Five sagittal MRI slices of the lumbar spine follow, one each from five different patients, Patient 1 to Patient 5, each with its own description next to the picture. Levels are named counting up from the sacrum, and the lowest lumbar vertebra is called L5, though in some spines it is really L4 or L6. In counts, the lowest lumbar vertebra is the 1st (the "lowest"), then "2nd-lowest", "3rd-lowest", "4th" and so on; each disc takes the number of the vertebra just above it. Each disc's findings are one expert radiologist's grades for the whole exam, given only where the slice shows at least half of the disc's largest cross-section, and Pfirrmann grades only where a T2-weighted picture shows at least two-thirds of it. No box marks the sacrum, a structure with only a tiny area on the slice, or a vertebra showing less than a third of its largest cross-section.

Patient 1 of 5:
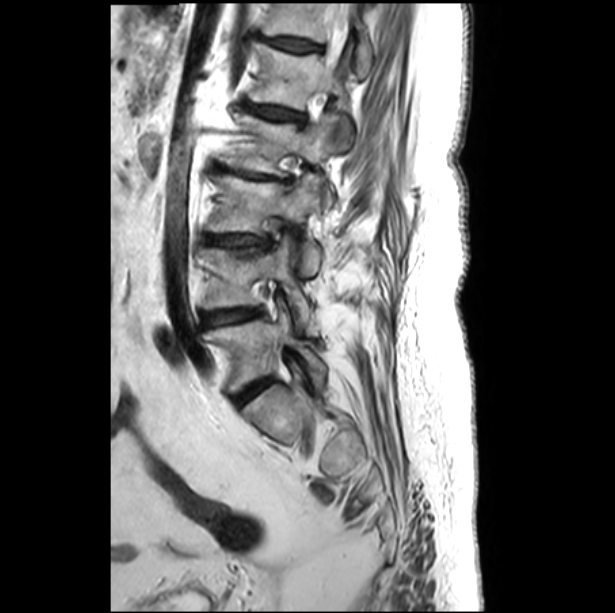 Sagittal T2-weighted lumbar spine MRI, Field of view 284x283 mm

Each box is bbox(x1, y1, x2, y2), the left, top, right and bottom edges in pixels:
Structures:
• intervertebral disc L1/L2: bbox(247, 104, 301, 119)
• L5/S1: bbox(235, 379, 271, 403)
• L5 vertebra: bbox(203, 309, 325, 392)
• L3/L4: bbox(204, 234, 269, 248)
• L2: bbox(220, 114, 338, 208)
• L4 vertebra: bbox(200, 239, 312, 332)
• L2/L3: bbox(215, 162, 291, 183)
• T12 vertebra: bbox(263, 3, 372, 79)
• L1: bbox(249, 42, 354, 151)
• T12/L1: bbox(264, 38, 320, 52)
• L3: bbox(207, 174, 321, 278)
• thecal sac / spinal canal: bbox(325, 3, 355, 83)
• L4/L5: bbox(202, 309, 260, 327)

Radiological gradings:
• L4/L5: disc bulging
• T12/L1: Pfirrmann grade 3, lower-endplate change, upper-endplate change, disc bulging, Modic type II
• L3/L4: Pfirrmann grade 3, disc bulging, lower-endplate change, upper-endplate change, Modic type II, disc narrowing
• L1/L2: Pfirrmann grade 3, disc bulging, Modic type II, lower-endplate change, upper-endplate change

Patient 2 of 5:
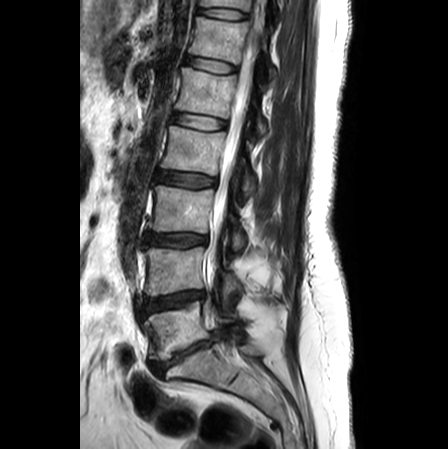

T2-weighted sagittal MRI of the lumbar spine. Slice 15/24.
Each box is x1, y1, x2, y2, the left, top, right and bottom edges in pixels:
Spinal canal at 207, 0, 264, 287.
2nd-lowest vertebra at 145, 247, 242, 295.
6th disc at 186, 56, 236, 73.
4th vertebra at 161, 126, 255, 196.
7th disc at 197, 7, 247, 19.
Lowest vertebra at 146, 300, 239, 360.
6th vertebra at 189, 17, 276, 78.
5th disc at 172, 113, 226, 129.
7th vertebra at 200, 0, 276, 10.
2nd-lowest disc at 145, 291, 205, 313.
Lowest disc at 150, 332, 220, 376.
4th disc at 156, 172, 216, 188.
3rd-lowest disc at 145, 233, 206, 247.
3rd-lowest vertebra at 149, 185, 245, 249.
5th vertebra at 175, 68, 266, 134.

Per-level radiological findings:
• 7th disc: Pfirrmann grade 1
• 2nd-lowest disc: Pfirrmann grade 4, disc narrowing, disc bulging
• 5th disc: Pfirrmann grade 1
• 6th disc: Pfirrmann grade 1
• lowest disc: Pfirrmann grade 5, upper-endplate change, disc narrowing, disc herniation, Modic type II, lower-endplate change
• 4th disc: Pfirrmann grade 2, disc bulging
• 3rd-lowest disc: Pfirrmann grade 3, disc bulging

Patient 3 of 5:
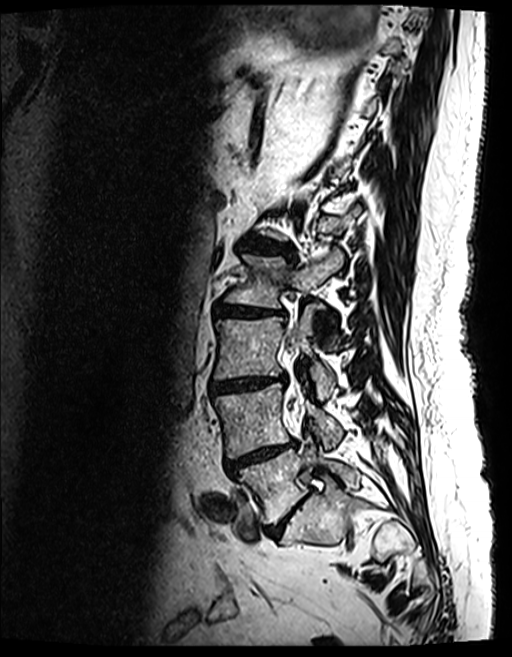 512x657 px. Lumbar spine MR, T2 SPACE (3D), sagittal. Patient sex: F.
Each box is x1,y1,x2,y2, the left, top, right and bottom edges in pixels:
Segmented structures:
- disc L2/L3 at 214,302,284,316
- L3/L4 at 210,375,286,393
- thecal sac / spinal canal at 294,391,302,406
- L5/S1 at 269,500,304,537
- L3 at 214,305,334,399
- L2 vertebra at 226,248,343,320
- L5 vertebra at 236,436,360,524
- L4/L5 at 226,442,296,473
- L4 vertebra at 214,383,343,457
- disc L1/L2 at 256,242,295,257

Per-level radiological findings:
• L3/L4: Pfirrmann grade 4, upper-endplate change, disc bulging, lower-endplate change, disc narrowing, Modic type II
• L2/L3: Pfirrmann grade 4, disc bulging, Modic type II, upper-endplate change, disc narrowing, lower-endplate change
• L4/L5: Pfirrmann grade 5, disc narrowing, disc bulging, upper-endplate change, lower-endplate change, Modic type II

Patient 4 of 5:
T2-weighted sagittal MRI of the lumbar spine | Field of view 310x309 mm, slice spacing 4.4 mm

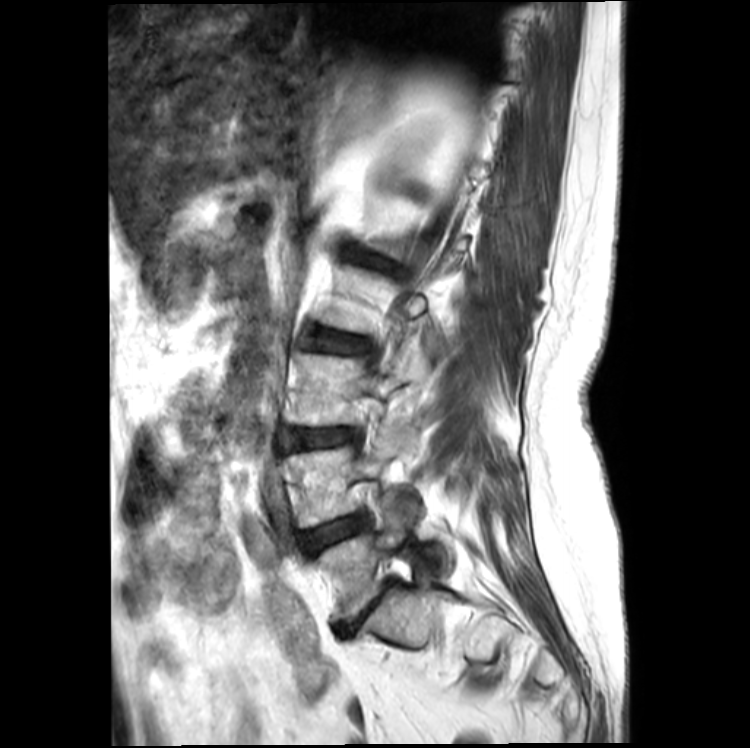 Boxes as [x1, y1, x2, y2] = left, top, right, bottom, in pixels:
L2/L3 (4th disc): [307, 330, 367, 354] | L4 (2nd-lowest vertebra): [286, 444, 424, 526] | intervertebral disc L3/L4 (3rd-lowest disc): [284, 427, 353, 449] | L5/S1 (lowest disc): [339, 592, 385, 635] | intervertebral disc L4/L5 (2nd-lowest disc): [301, 515, 369, 550] | L5 (lowest vertebra): [319, 508, 443, 621] | L3 (3rd-lowest vertebra): [292, 353, 405, 425]

Expert MSK radiologist gradings (per disc):
- L4/L5 (2nd-lowest disc): Modic type II, disc bulging
- L2/L3 (4th disc): Modic type II, disc bulging
- L3/L4 (3rd-lowest disc): Pfirrmann grade 3, Modic type II, disc bulging, disc narrowing

Patient 5 of 5:
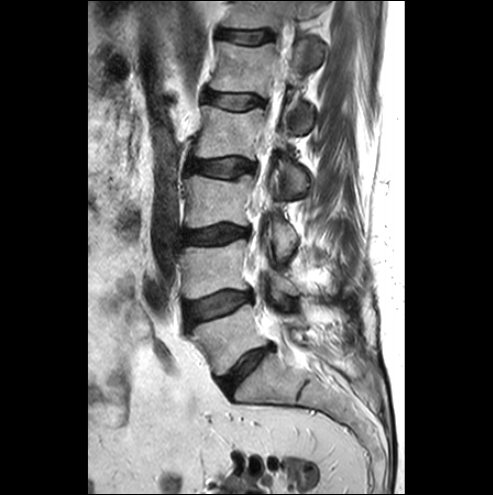

Lumbar spine MR, T2-weighted, sagittal, Field of view 280x281 mm, slice spacing 3.3 mm
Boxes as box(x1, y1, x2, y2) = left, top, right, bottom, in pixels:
L1: box(211, 40, 314, 133)
T12/L1: box(219, 31, 272, 43)
T12: box(224, 1, 325, 67)
thecal sac / spinal canal: box(255, 68, 285, 198)
L5/S1: box(219, 346, 273, 394)
disc L4/L5: box(186, 292, 251, 325)
L4 vertebra: box(181, 240, 298, 307)
L3: box(185, 172, 296, 257)
L2: box(197, 105, 308, 196)
L5 vertebra: box(190, 304, 334, 374)
L3/L4: box(183, 225, 248, 243)
disc L1/L2: box(206, 91, 261, 109)
L2/L3: box(187, 159, 252, 176)

Per-level radiological findings:
- L2/L3: Pfirrmann grade 1
- L3/L4: Pfirrmann grade 3, disc bulging
- L5/S1: Pfirrmann grade 4, disc bulging, disc narrowing
- L4/L5: Pfirrmann grade 1, Modic type III, disc bulging
- T12/L1: Pfirrmann grade 1
- L1/L2: Pfirrmann grade 1